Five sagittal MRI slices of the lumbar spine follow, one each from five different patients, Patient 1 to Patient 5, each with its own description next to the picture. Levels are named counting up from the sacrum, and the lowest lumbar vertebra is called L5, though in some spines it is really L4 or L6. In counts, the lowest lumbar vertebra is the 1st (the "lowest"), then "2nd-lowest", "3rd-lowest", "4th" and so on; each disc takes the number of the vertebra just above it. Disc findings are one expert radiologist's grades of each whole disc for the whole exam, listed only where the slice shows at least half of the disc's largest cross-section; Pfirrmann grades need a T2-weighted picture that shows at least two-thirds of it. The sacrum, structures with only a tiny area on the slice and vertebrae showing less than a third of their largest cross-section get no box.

Patient 1 of 5:
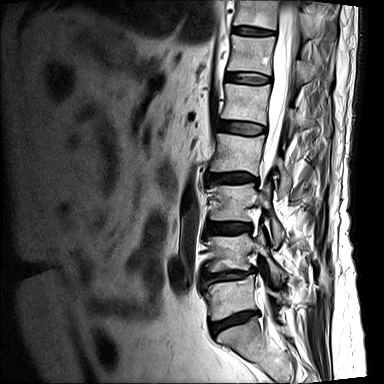

T2-weighted sagittal MRI of the lumbar spine, Sex M, Field of view 280x280 mm, slice spacing 4.8 mm
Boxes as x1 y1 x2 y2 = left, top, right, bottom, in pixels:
T12 at 228 35 312 82, T12/L1 at 225 73 270 84, L3 at 210 183 283 247, T11 vertebra at 234 0 313 38, disc L2/L3 at 206 173 256 183, disc L5/S1 at 210 311 257 334, L4 vertebra at 206 230 286 283, T11/T12 at 233 27 274 34, L1/L2 at 219 121 265 134, L1 at 221 84 299 136, L5 vertebra at 204 275 287 320, L4/L5 at 203 269 253 286, thecal sac / spinal canal at 263 0 298 164, L3/L4 at 206 223 250 233, L2 at 210 134 291 197.

Degenerative findings by level:
  T11/T12: Pfirrmann grade 4
  L2/L3: Pfirrmann grade 4, upper-endplate change, disc bulging, Modic type II, disc narrowing, lower-endplate change
  T12/L1: Pfirrmann grade 3
  L1/L2: Pfirrmann grade 3
  L3/L4: Pfirrmann grade 4, upper-endplate change, lower-endplate change, disc bulging, Modic type II
  L5/S1: Pfirrmann grade 4, disc narrowing, Modic type II, lower-endplate change, disc bulging, upper-endplate change
  L4/L5: lower-endplate change, upper-endplate change, disc bulging, Modic type II, disc narrowing

Patient 2 of 5:
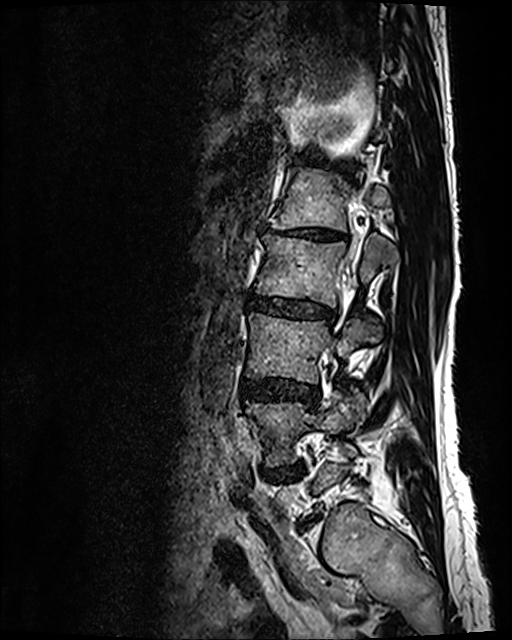 Slice 38 of 120. T2 SPACE (3D) sagittal MRI of the lumbar spine. Sex F.
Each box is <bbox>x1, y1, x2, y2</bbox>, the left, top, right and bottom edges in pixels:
intervertebral disc L3/L4 (3rd-lowest disc): <bbox>242, 379, 318, 404</bbox>
L4 (2nd-lowest vertebra): <bbox>246, 388, 369, 466</bbox>
L2 (4th vertebra): <bbox>255, 235, 398, 307</bbox>
L1 (5th vertebra): <bbox>276, 166, 389, 231</bbox>
intervertebral disc L1/L2 (5th disc): <bbox>262, 224, 347, 240</bbox>
intervertebral disc T12/L1 (6th disc): <bbox>299, 154, 322, 164</bbox>
L4/L5 (2nd-lowest disc): <bbox>267, 467, 300, 478</bbox>
L2/L3 (4th disc): <bbox>249, 295, 335, 324</bbox>
L3 (3rd-lowest vertebra): <bbox>247, 313, 381, 383</bbox>

Radiological gradings:
• L1/L2 (5th disc): Pfirrmann grade 5, Modic type II, lower-endplate change, upper-endplate change, disc bulging, disc narrowing
• L3/L4 (3rd-lowest disc): Pfirrmann grade 3, disc bulging
• L2/L3 (4th disc): Pfirrmann grade 3, disc bulging, disc narrowing

Patient 3 of 5:
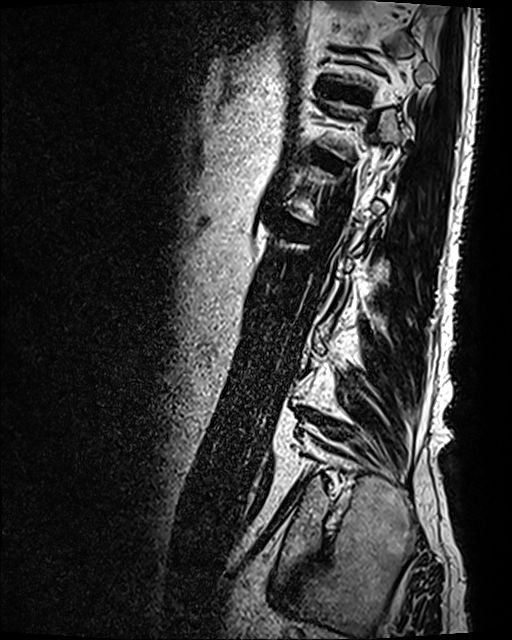 512x640 px. MRI lumbar spine (T2 SPACE (3D)), sagittal plane.
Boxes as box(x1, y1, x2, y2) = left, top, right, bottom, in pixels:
Annotations:
* 5th disc = box(283, 215, 304, 231)
* 6th disc = box(315, 152, 339, 165)
* 7th disc = box(318, 81, 365, 101)

Degenerative findings by level:
- 7th disc: upper-endplate change, disc bulging, lower-endplate change

Patient 4 of 5:
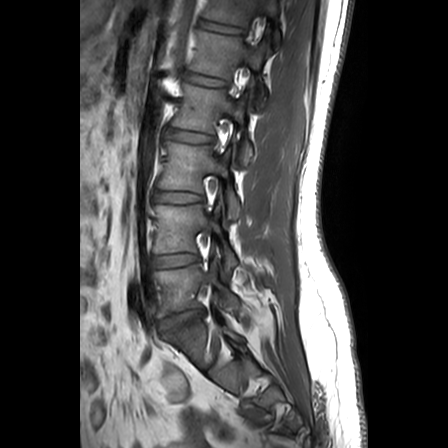 Patient sex: M; T1-weighted sagittal MRI of the lumbar spine; Sagittal slice index 7

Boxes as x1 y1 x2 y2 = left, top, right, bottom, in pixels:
- L5 vertebra = 154 262 232 317
- L1 = 189 30 265 78
- intervertebral disc L2/L3 = 165 129 212 142
- L1/L2 = 185 72 227 86
- L5/S1 = 160 310 204 330
- L4/L5 = 153 254 198 267
- intervertebral disc L3/L4 = 156 192 203 202
- T12 vertebra = 203 0 278 39
- T12/L1 = 200 20 243 34
- L3 = 159 142 241 219
- L4 = 154 205 220 253
- L2 vertebra = 172 84 243 133

Expert MSK radiologist gradings (per disc):
• L5/S1: upper-endplate change, Modic type II, disc herniation, lower-endplate change
• L1/L2, L3/L4, L4/L5, T12/L1, L2/L3: no herniation, bulging, narrowing, spondylolisthesis, endplate or Modic change recorded

Patient 5 of 5:
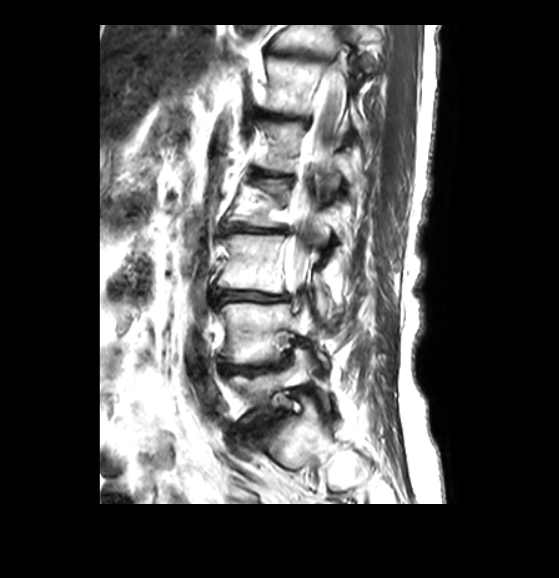
Sagittal T2-weighted lumbar spine MRI; Patient sex: F

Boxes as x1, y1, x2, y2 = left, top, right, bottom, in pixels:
L2 vertebra: 227, 179, 345, 241.
Disc L3/L4: 213, 289, 287, 302.
L5/S1: 246, 411, 285, 430.
L4: 218, 302, 327, 367.
T12: 263, 57, 362, 130.
L3 vertebra: 217, 234, 335, 324.
L1: 261, 122, 360, 187.
T12/L1: 260, 113, 309, 124.
Spinal canal: 285, 66, 346, 294.
Disc L1/L2: 253, 171, 290, 178.
L4/L5: 220, 357, 287, 373.
L5: 227, 348, 330, 422.
T11 vertebra: 272, 25, 347, 57.
Disc L2/L3: 223, 223, 285, 233.
T11/T12: 268, 50, 327, 60.

Per-level radiological findings:
- L3/L4: Pfirrmann grade 3, disc narrowing, disc bulging
- T11/T12: Pfirrmann grade 4, disc narrowing
- L4/L5: disc bulging